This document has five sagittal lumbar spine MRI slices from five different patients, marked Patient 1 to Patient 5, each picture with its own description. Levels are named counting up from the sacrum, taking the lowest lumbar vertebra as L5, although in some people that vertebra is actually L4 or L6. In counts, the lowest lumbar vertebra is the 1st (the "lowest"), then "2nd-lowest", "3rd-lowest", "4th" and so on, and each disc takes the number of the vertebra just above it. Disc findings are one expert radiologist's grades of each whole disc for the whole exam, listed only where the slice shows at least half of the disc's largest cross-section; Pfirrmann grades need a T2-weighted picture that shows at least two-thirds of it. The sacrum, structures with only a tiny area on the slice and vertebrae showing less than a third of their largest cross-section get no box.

Patient 1 of 5:
Scanner: SIEMENS Avanto_fit (1.5T) | Slice 13/27 | 861x872 px | Lumbar spine MR, T1-weighted, sagittal
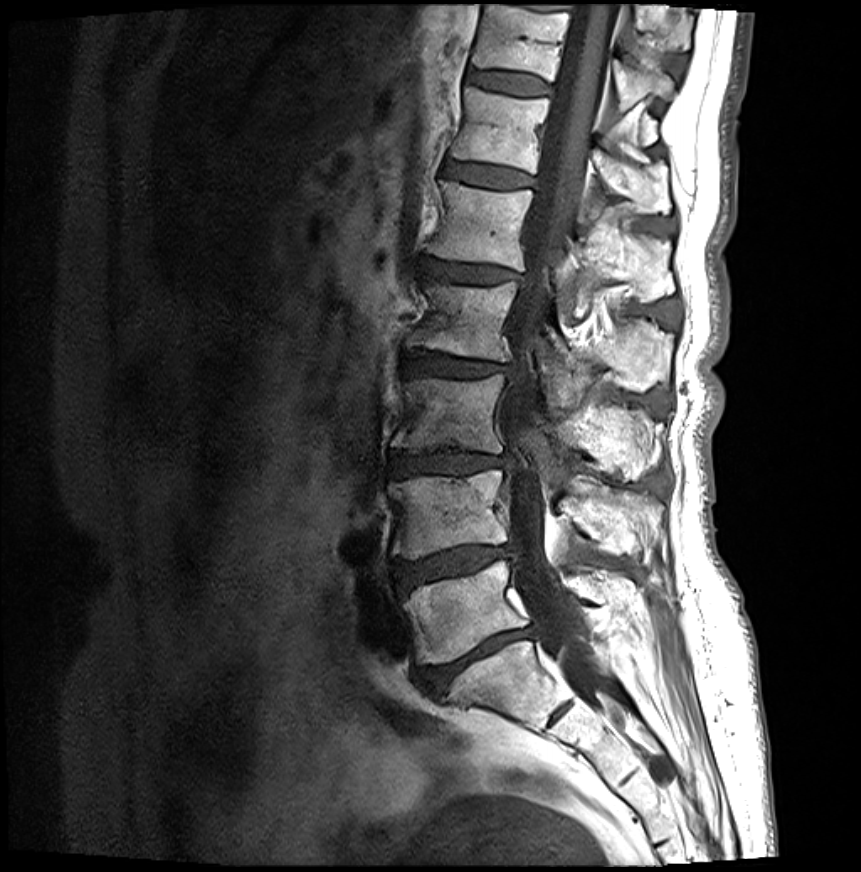 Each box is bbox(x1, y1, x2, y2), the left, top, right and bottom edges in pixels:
Lowest disc at bbox(419, 628, 532, 695); 3rd-lowest vertebra at bbox(392, 374, 661, 480); 4th disc at bbox(405, 355, 507, 376); 4th vertebra at bbox(407, 283, 673, 406); 5th disc at bbox(422, 259, 520, 284); 6th vertebra at bbox(451, 88, 670, 215); lowest vertebra at bbox(404, 560, 631, 665); 7th disc at bbox(466, 71, 550, 96); thecal sac / spinal canal at bbox(501, 6, 616, 713); 7th vertebra at bbox(471, 6, 675, 112); 2nd-lowest vertebra at bbox(388, 469, 661, 558); 6th disc at bbox(446, 162, 532, 188); 3rd-lowest disc at bbox(390, 450, 508, 477); 5th vertebra at bbox(429, 181, 673, 318); 2nd-lowest disc at bbox(393, 547, 512, 591).

Radiological gradings:
- 6th disc: upper-endplate change, lower-endplate change, Modic type II
- 4th disc: upper-endplate change, lower-endplate change, Modic type II, disc narrowing, disc bulging
- 2nd-lowest disc: Modic type II, upper-endplate change, lower-endplate change, disc narrowing, disc herniation, disc bulging
- 3rd-lowest disc: upper-endplate change, lower-endplate change, disc narrowing, disc bulging, Modic type II
- 7th disc: lower-endplate change, upper-endplate change, Modic type II
- 5th disc: Modic type II, lower-endplate change, disc narrowing, disc bulging, upper-endplate change
- lowest disc: disc bulging, upper-endplate change, disc narrowing, Modic type II, lower-endplate change

Patient 2 of 5:
MRI lumbar spine (T2 SPACE (3D)), sagittal plane; SIEMENS Skyra (3T); Image 618x793 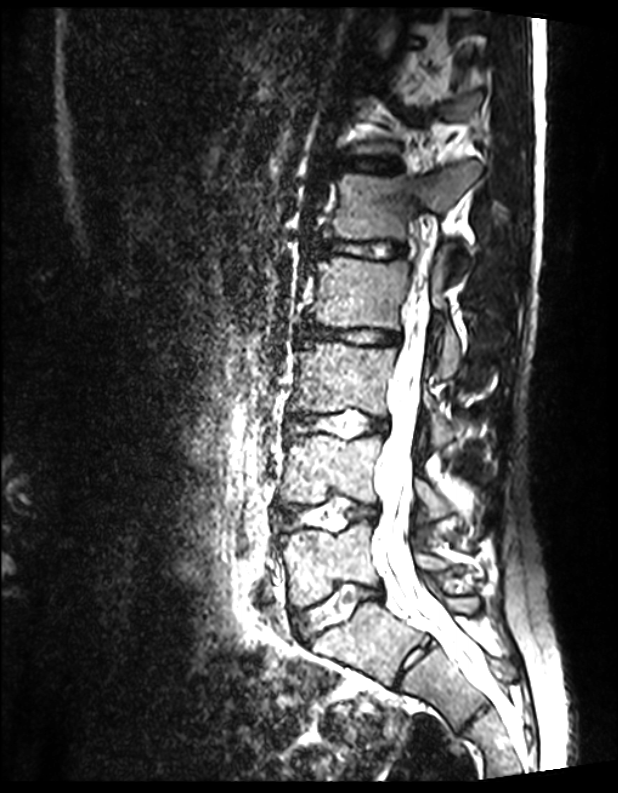
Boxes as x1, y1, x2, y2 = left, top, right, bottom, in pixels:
T12 at 347, 94, 478, 155; L4 vertebra at 281, 435, 484, 529; L1 at 324, 162, 479, 277; L2 vertebra at 309, 258, 462, 376; spinal canal at 372, 237, 486, 689; disc L5/S1 at 293, 583, 382, 642; L3/L4 at 288, 410, 387, 437; disc T12/L1 at 335, 157, 401, 172; disc L1/L2 at 311, 237, 405, 258; disc L2/L3 at 296, 324, 399, 345; disc L4/L5 at 277, 498, 376, 530; L5 at 278, 521, 473, 608; L3 vertebra at 290, 342, 456, 442.

Radiological gradings:
  L3/L4: Pfirrmann grade 1
  L1/L2: Pfirrmann grade 1
  T12/L1: Pfirrmann grade 1
  L5/S1: Pfirrmann grade 1
  L2/L3: Pfirrmann grade 1
  L4/L5: Pfirrmann grade 1

Patient 3 of 5:
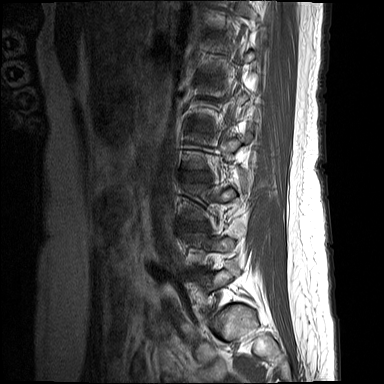 Sagittal T1-weighted lumbar spine MRI; Sex F

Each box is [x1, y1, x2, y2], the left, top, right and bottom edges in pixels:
Segmented structures:
• IVD L3/L4: [180, 222, 208, 229]
• L2/L3: [183, 172, 208, 181]

Expert MSK radiologist gradings (per disc):
• L2/L3: disc bulging

Patient 4 of 5:
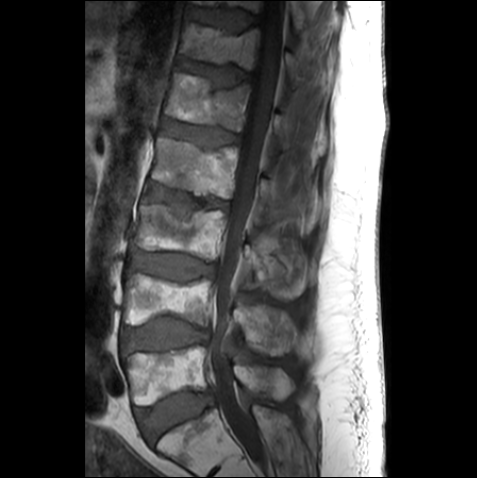 Field of view 280x281 mm, slice spacing 3.3 mm, MRI lumbar spine (T1-weighted), sagittal plane, Slice 14 of 25
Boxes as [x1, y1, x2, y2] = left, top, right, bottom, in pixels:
Structures:
- T12 (6th vertebra) — [180, 22, 306, 85]
- spinal canal — [209, 0, 284, 459]
- disc L3/L4 (3rd-lowest disc) — [132, 252, 214, 280]
- L4/L5 (2nd-lowest disc) — [122, 317, 208, 350]
- L1 (5th vertebra) — [165, 72, 298, 147]
- disc T12/L1 (6th disc) — [178, 59, 250, 86]
- L3 (3rd-lowest vertebra) — [132, 204, 314, 300]
- T11 (7th vertebra) — [191, 0, 308, 30]
- T11/T12 (7th disc) — [189, 7, 258, 31]
- disc L5/S1 (lowest disc) — [135, 391, 212, 442]
- L1/L2 (5th disc) — [162, 120, 240, 145]
- L5 (lowest vertebra) — [123, 345, 294, 405]
- L4 (2nd-lowest vertebra) — [123, 270, 298, 356]
- L2/L3 (4th disc) — [146, 183, 228, 211]
- L2 (4th vertebra) — [151, 138, 281, 210]

Radiological gradings:
• T12/L1 (6th disc): upper-endplate change
• L4/L5 (2nd-lowest disc): lower-endplate change
• L2/L3 (4th disc): upper-endplate change
• L3/L4 (3rd-lowest disc), T11/T12 (7th disc), L1/L2 (5th disc), L5/S1 (lowest disc): no spondylolisthesis, narrowing, bulging, herniation, Modic or endplate change recorded

Patient 5 of 5:
538x539 px | Field of view 300x300 mm, slice spacing 3.3 mm | MRI lumbar spine (T2-weighted), sagittal plane 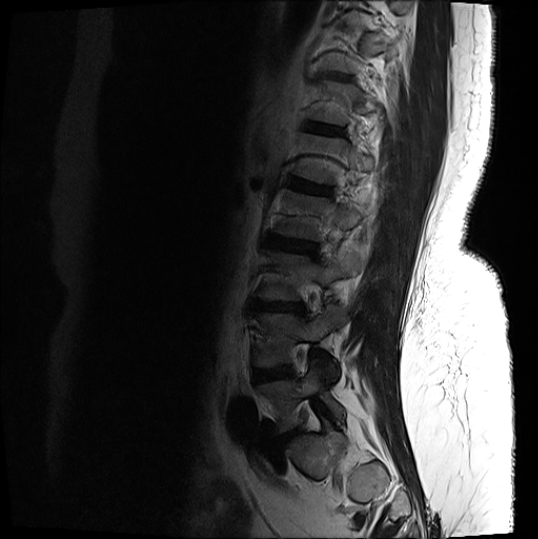

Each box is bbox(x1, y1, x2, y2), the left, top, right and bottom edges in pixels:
Disc T11/T12 at bbox(328, 74, 351, 81); L4 at bbox(253, 304, 344, 378); disc L3/L4 at bbox(253, 301, 305, 313); L2/L3 at bbox(264, 234, 319, 255); L1 vertebra at bbox(292, 133, 374, 185); disc L5/S1 at bbox(281, 428, 300, 441); T12/L1 at bbox(305, 122, 344, 135); L2 at bbox(275, 189, 380, 241); disc L4/L5 at bbox(252, 366, 293, 382); L5 vertebra at bbox(257, 361, 345, 432); disc L1/L2 at bbox(288, 177, 330, 195); T12 vertebra at bbox(306, 81, 365, 126); L3 vertebra at bbox(257, 249, 359, 300).

Radiological gradings:
  L2/L3: Pfirrmann grade 4, upper-endplate change, lower-endplate change, disc bulging
  L1/L2: Modic type II, lower-endplate change, upper-endplate change
  L4/L5: Modic type II, disc bulging, lower-endplate change
  L3/L4: Pfirrmann grade 4, lower-endplate change, disc narrowing, upper-endplate change, disc bulging, Modic type II